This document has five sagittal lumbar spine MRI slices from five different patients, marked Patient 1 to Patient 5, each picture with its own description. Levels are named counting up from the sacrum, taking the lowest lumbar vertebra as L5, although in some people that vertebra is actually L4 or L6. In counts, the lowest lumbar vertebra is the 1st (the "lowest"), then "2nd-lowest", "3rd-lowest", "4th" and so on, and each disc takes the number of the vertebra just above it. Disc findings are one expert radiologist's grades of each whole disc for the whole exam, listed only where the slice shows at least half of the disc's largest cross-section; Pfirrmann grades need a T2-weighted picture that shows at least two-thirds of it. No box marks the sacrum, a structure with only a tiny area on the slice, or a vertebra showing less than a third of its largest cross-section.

Patient 1 of 5:
Sagittal T2 SPACE (3D) lumbar spine MRI; Sex M; Scanner: SIEMENS Avanto_fit (1.5T)
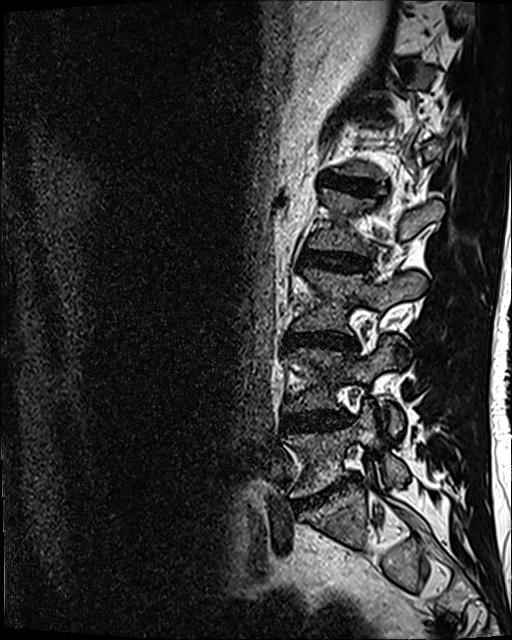
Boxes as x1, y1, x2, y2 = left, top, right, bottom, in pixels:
Annotations:
* L1/L2: 329, 176, 378, 196
* L2: 309, 189, 443, 253
* L3: 292, 268, 425, 331
* disc L4/L5: 283, 411, 345, 430
* disc L5/S1: 297, 474, 357, 506
* L3/L4: 287, 332, 353, 348
* L5 vertebra: 283, 404, 408, 496
* L2/L3: 302, 251, 368, 271
* L4 vertebra: 287, 337, 405, 434

Per-level radiological findings:
  L2/L3: Pfirrmann grade 3, disc bulging
  L4/L5: disc bulging, disc narrowing
  L3/L4: Pfirrmann grade 4, lower-endplate change, disc narrowing, disc bulging
  L1/L2: no herniation, bulging, narrowing, spondylolisthesis, endplate or Modic change recorded

Patient 2 of 5:
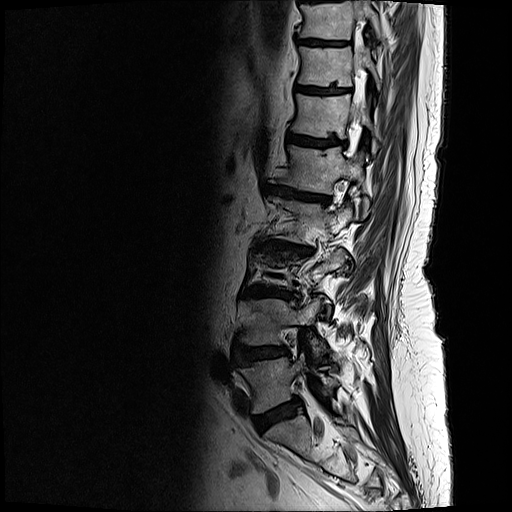 Patient sex: F. MRI lumbar spine (T2-weighted), sagittal plane. Field of view 300x300 mm, slice spacing 3.3 mm.
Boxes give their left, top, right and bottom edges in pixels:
L5/S1 (lowest disc) at left=254, top=399, right=300, bottom=431.
T11/T12 (7th disc) at left=296, top=85, right=349, bottom=94.
L4/L5 (2nd-lowest disc) at left=233, top=345, right=288, bottom=365.
T11 (7th vertebra) at left=298, top=47, right=380, bottom=88.
T10 (8th vertebra) at left=301, top=0, right=381, bottom=39.
L2/L3 (4th disc) at left=254, top=239, right=312, bottom=255.
T12 (6th vertebra) at left=292, top=94, right=377, bottom=156.
L4 (2nd-lowest vertebra) at left=238, top=298, right=326, bottom=356.
Thecal sac / spinal canal at left=356, top=17, right=366, bottom=110.
L1/L2 (5th disc) at left=263, top=184, right=329, bottom=203.
T12/L1 (6th disc) at left=287, top=134, right=345, bottom=146.
T10/T11 (8th disc) at left=300, top=39, right=339, bottom=45.
IVD L3/L4 (3rd-lowest disc) at left=242, top=286, right=291, bottom=297.
L5 (lowest vertebra) at left=239, top=354, right=338, bottom=414.
L1 (5th vertebra) at left=281, top=146, right=369, bottom=213.

Per-level radiological findings:
- L1/L2 (5th disc): Pfirrmann grade 5, disc narrowing, upper-endplate change, lower-endplate change, Modic type II, disc bulging
- T10/T11 (8th disc): Pfirrmann grade 4, upper-endplate change, lower-endplate change
- T12/L1 (6th disc): Pfirrmann grade 4, Modic type II, upper-endplate change, lower-endplate change
- L4/L5 (2nd-lowest disc): Pfirrmann grade 4, upper-endplate change, lower-endplate change, disc bulging
- L3/L4 (3rd-lowest disc): upper-endplate change, disc narrowing, disc bulging, lower-endplate change, Modic type II
- L2/L3 (4th disc): Pfirrmann grade 5, Modic type II, lower-endplate change, upper-endplate change, disc narrowing, disc bulging
- L5/S1 (lowest disc): disc bulging
- T11/T12 (7th disc): Pfirrmann grade 4, lower-endplate change, upper-endplate change

Patient 3 of 5:
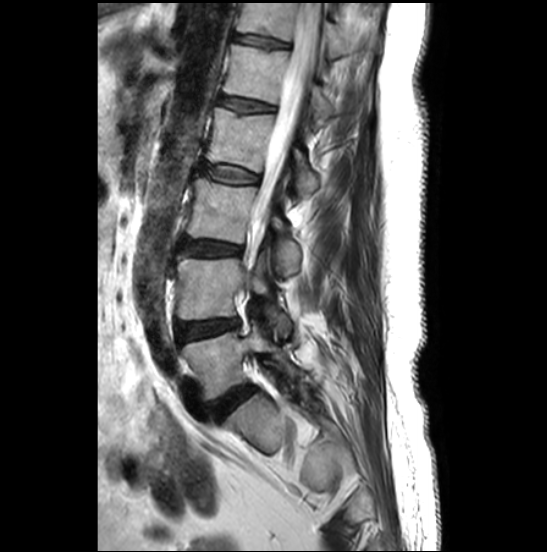

T2-weighted sagittal MRI of the lumbar spine. Slice 18/27.
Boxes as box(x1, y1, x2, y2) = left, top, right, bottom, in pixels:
2nd-lowest vertebra — box(177, 255, 290, 335).
2nd-lowest disc — box(176, 319, 238, 341).
5th disc — box(219, 96, 274, 114).
3rd-lowest disc — box(180, 239, 241, 255).
5th vertebra — box(224, 44, 336, 126).
4th disc — box(200, 164, 257, 183).
Lowest disc — box(210, 386, 254, 419).
Thecal sac / spinal canal — box(254, 3, 320, 231).
4th vertebra — box(206, 107, 319, 196).
Lowest vertebra — box(181, 325, 297, 399).
6th vertebra — box(237, 3, 378, 58).
3rd-lowest vertebra — box(186, 178, 301, 275).
6th disc — box(233, 34, 287, 47).

Degenerative findings by level:
• 3rd-lowest disc: Pfirrmann grade 4, disc bulging
• 6th disc: Pfirrmann grade 2, lower-endplate change, upper-endplate change
• 5th disc: Pfirrmann grade 2, upper-endplate change
• 4th disc: Pfirrmann grade 2
• 2nd-lowest disc: Pfirrmann grade 3, disc bulging
• lowest disc: disc bulging

Patient 4 of 5:
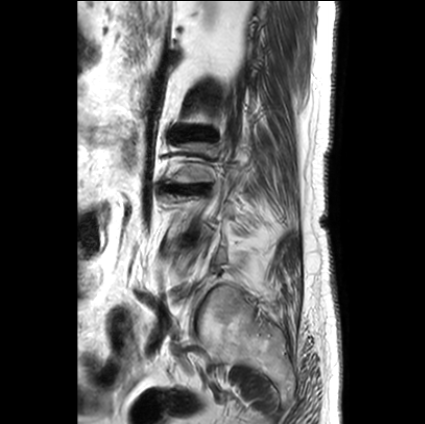

Slice 4 of 27 | T2-weighted sagittal MRI of the lumbar spine | Patient sex: F

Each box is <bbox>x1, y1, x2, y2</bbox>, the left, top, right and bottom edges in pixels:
3rd-lowest disc = <bbox>171, 186, 201, 191</bbox>.
4th disc = <bbox>174, 127, 215, 140</bbox>.

Radiological gradings:
• 4th disc: Pfirrmann grade 1, disc bulging, disc narrowing, lower-endplate change, upper-endplate change

Patient 5 of 5:
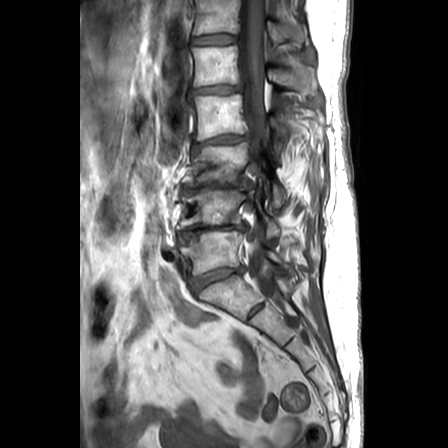 Slice 14/24, Lumbar spine MR, T1-weighted, sagittal, 448x448 px
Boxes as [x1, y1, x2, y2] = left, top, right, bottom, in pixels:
6th disc: [192, 34, 237, 44].
3rd-lowest disc: [184, 180, 252, 190].
5th disc: [190, 84, 241, 93].
2nd-lowest vertebra: [180, 188, 281, 238].
Lowest vertebra: [180, 230, 290, 275].
2nd-lowest disc: [178, 223, 246, 241].
6th vertebra: [194, 0, 306, 44].
Thecal sac / spinal canal: [239, 0, 281, 300].
5th vertebra: [192, 45, 293, 86].
4th vertebra: [189, 94, 324, 150].
4th disc: [191, 132, 250, 155].
3rd-lowest vertebra: [184, 142, 285, 209].
Lowest disc: [190, 267, 244, 292].

Degenerative findings by level:
  3rd-lowest disc: disc narrowing, lower-endplate change, Modic type II, disc bulging, upper-endplate change
  5th disc: disc bulging
  lowest disc: lower-endplate change, disc bulging, upper-endplate change, disc narrowing
  4th disc: upper-endplate change, lower-endplate change, disc narrowing, disc bulging
  2nd-lowest disc: Modic type II, disc bulging, upper-endplate change, disc narrowing, lower-endplate change
  6th disc: no Modic or endplate change, herniation, narrowing, bulging or spondylolisthesis recorded